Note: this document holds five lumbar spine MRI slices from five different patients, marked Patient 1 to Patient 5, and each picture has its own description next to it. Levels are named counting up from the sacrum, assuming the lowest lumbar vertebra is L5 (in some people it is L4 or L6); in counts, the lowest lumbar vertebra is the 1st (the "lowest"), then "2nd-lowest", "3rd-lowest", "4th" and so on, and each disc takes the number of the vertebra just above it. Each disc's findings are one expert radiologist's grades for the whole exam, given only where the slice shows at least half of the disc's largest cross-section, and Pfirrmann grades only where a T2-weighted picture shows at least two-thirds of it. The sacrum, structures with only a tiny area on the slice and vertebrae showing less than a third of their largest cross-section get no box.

Patient 1 of 5:
Lumbar spine MR, T2 SPACE (3D), sagittal | Image 595x761 | SIEMENS Avanto_fit (1.5T) 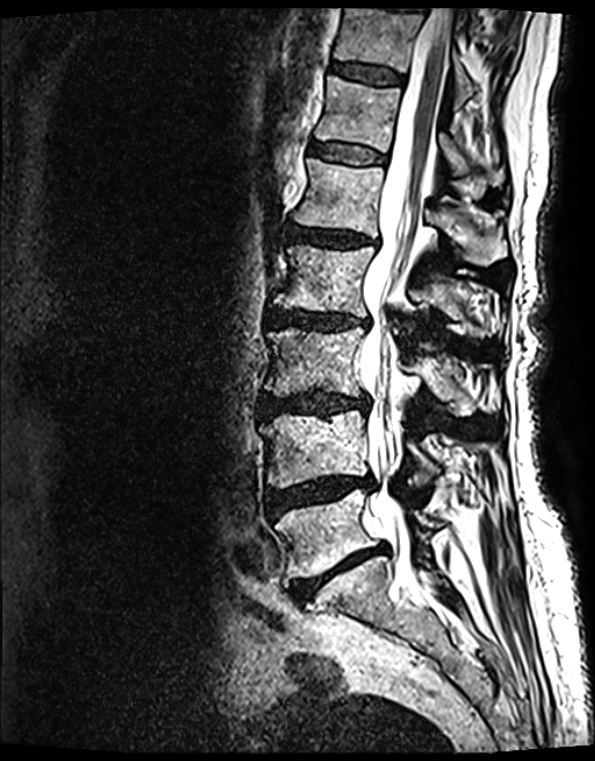

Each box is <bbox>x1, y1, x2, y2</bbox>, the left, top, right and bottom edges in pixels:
- 2nd-lowest vertebra at <bbox>262, 410, 434, 488</bbox>
- 2nd-lowest disc at <bbox>265, 477, 371, 515</bbox>
- 3rd-lowest vertebra at <bbox>265, 327, 474, 416</bbox>
- spinal canal at <bbox>360, 10, 452, 599</bbox>
- 5th disc at <bbox>289, 227, 368, 245</bbox>
- 4th vertebra at <bbox>274, 246, 493, 339</bbox>
- 6th disc at <bbox>312, 144, 384, 165</bbox>
- lowest vertebra at <bbox>276, 489, 444, 579</bbox>
- 4th disc at <bbox>267, 310, 365, 329</bbox>
- 7th disc at <bbox>330, 63, 402, 85</bbox>
- lowest disc at <bbox>292, 545, 384, 601</bbox>
- 7th vertebra at <bbox>334, 10, 477, 105</bbox>
- 5th vertebra at <bbox>294, 159, 506, 266</bbox>
- 3rd-lowest disc at <bbox>263, 392, 368, 415</bbox>
- 6th vertebra at <bbox>315, 77, 505, 187</bbox>

Degenerative findings by level:
- 4th disc: Pfirrmann grade 4, disc bulging, upper-endplate change, Modic type II, disc narrowing, lower-endplate change
- 6th disc: Pfirrmann grade 2, Modic type II, lower-endplate change, upper-endplate change
- 2nd-lowest disc: Pfirrmann grade 4, disc herniation, disc narrowing, upper-endplate change, Modic type II, disc bulging, lower-endplate change
- 7th disc: Pfirrmann grade 2, lower-endplate change, Modic type II, upper-endplate change
- 5th disc: Pfirrmann grade 4, disc narrowing, Modic type II, upper-endplate change, disc bulging, lower-endplate change
- lowest disc: Pfirrmann grade 5, disc narrowing, lower-endplate change, Modic type II, upper-endplate change, disc bulging
- 3rd-lowest disc: Pfirrmann grade 4, disc bulging, Modic type II, disc narrowing, upper-endplate change, lower-endplate change

Patient 2 of 5:
Patient sex: M, MRI lumbar spine (T1-weighted), sagittal plane, Scanner: SIEMENS Aera (1.5T), 320x320 px
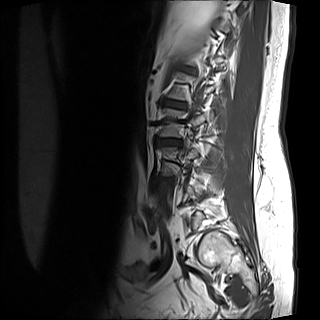 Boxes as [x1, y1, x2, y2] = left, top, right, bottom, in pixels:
5th disc: [164, 100, 185, 108].
4th disc: [158, 139, 179, 145].

Degenerative findings by level:
  5th disc: no herniation, bulging, narrowing, spondylolisthesis, endplate or Modic change recorded

Patient 3 of 5:
Image 512x640, Slice 93 of 120, Sagittal T2 SPACE (3D) lumbar spine MRI, Patient sex: M 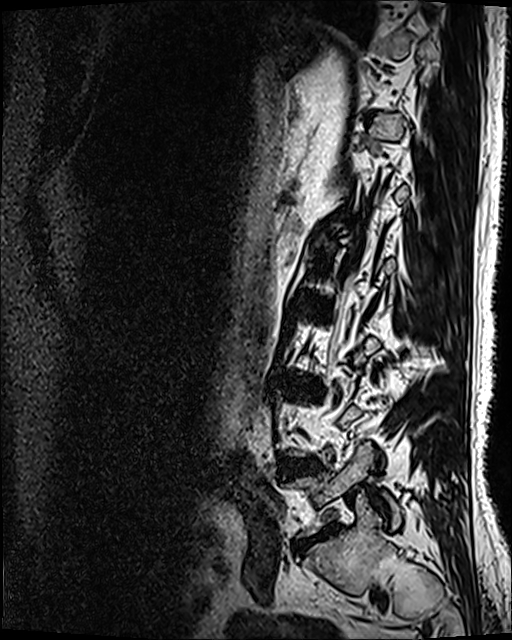 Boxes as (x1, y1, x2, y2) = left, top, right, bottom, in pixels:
L5: (287, 444, 402, 535).
L5/S1: (292, 530, 329, 551).
Disc L4/L5: (278, 461, 317, 474).
Disc L3/L4: (289, 379, 319, 393).

Patient 4 of 5:
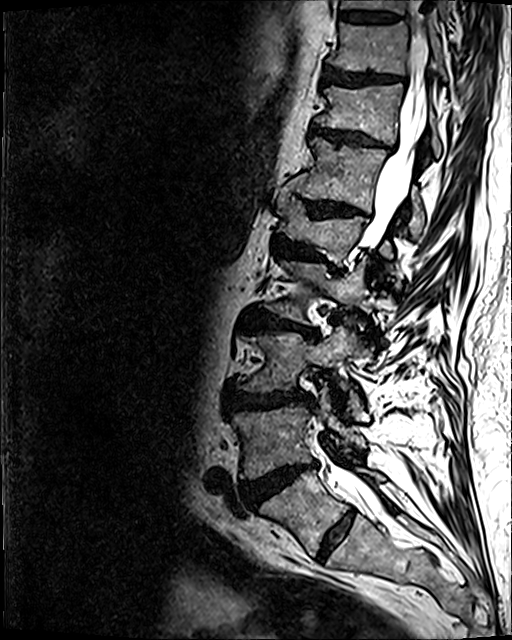 Slice 78 of 120. MRI lumbar spine (T2 SPACE (3D)), sagittal plane.
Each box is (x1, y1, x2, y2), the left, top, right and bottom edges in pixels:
Structures:
• L2/L3 — (249, 312, 318, 338)
• T12 — (290, 137, 425, 235)
• L4/L5 — (245, 463, 316, 504)
• L4 — (232, 389, 365, 479)
• T11 — (315, 84, 440, 158)
• L3 — (237, 326, 362, 416)
• T9/T10 — (339, 11, 398, 21)
• IVD L5/S1 — (316, 510, 354, 561)
• L3/L4 — (231, 391, 312, 411)
• IVD T10/T11 — (323, 69, 403, 86)
• IVD T11/T12 — (311, 124, 392, 150)
• IVD L1/L2 — (273, 236, 338, 272)
• T10 vertebra — (327, 22, 447, 83)
• L5 — (259, 468, 384, 556)
• thecal sac / spinal canal — (310, 0, 429, 514)
• IVD T12/L1 — (305, 201, 368, 217)
• L1 — (277, 187, 393, 273)
• L2 — (262, 258, 366, 324)
• T9 vertebra — (341, 0, 449, 22)

Radiological gradings:
  L4/L5: Pfirrmann grade 5, upper-endplate change, Modic type II, disc narrowing, lower-endplate change, disc bulging, disc herniation
  T9/T10: Pfirrmann grade 3, lower-endplate change
  T12/L1: disc narrowing, upper-endplate change, disc bulging, lower-endplate change
  L3/L4: Pfirrmann grade 4, upper-endplate change, disc bulging, disc narrowing, lower-endplate change
  L5/S1: Pfirrmann grade 2
  L1/L2: lower-endplate change, disc bulging, disc narrowing, upper-endplate change
  T11/T12: Pfirrmann grade 4, upper-endplate change, disc bulging, lower-endplate change, disc narrowing
  L2/L3: upper-endplate change, Modic type II, disc bulging, lower-endplate change, disc narrowing
  T10/T11: Pfirrmann grade 4, disc bulging, upper-endplate change, lower-endplate change

Patient 5 of 5:
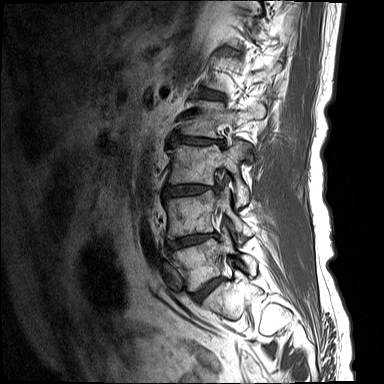
Sex M | Slice 12/15 | Sagittal T1-weighted lumbar spine MRI
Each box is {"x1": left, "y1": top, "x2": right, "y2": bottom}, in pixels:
L5 vertebra at {"x1": 171, "y1": 233, "x2": 256, "y2": 291}, L5/S1 at {"x1": 192, "y1": 277, "x2": 223, "y2": 302}, intervertebral disc L3/L4 at {"x1": 163, "y1": 184, "x2": 220, "y2": 197}, L2 vertebra at {"x1": 181, "y1": 100, "x2": 265, "y2": 160}, intervertebral disc L1/L2 at {"x1": 199, "y1": 89, "x2": 223, "y2": 99}, intervertebral disc L2/L3 at {"x1": 170, "y1": 135, "x2": 223, "y2": 145}, L4 at {"x1": 165, "y1": 190, "x2": 253, "y2": 242}, L3 at {"x1": 168, "y1": 141, "x2": 249, "y2": 206}, intervertebral disc L4/L5 at {"x1": 169, "y1": 233, "x2": 217, "y2": 249}.

Radiological gradings:
• L2/L3: upper-endplate change, disc narrowing, Modic type II, lower-endplate change, disc bulging
• L3/L4: upper-endplate change, lower-endplate change, disc narrowing, disc bulging, Modic type II, disc herniation
• L4/L5: disc bulging, Modic type I, disc narrowing, upper-endplate change, lower-endplate change